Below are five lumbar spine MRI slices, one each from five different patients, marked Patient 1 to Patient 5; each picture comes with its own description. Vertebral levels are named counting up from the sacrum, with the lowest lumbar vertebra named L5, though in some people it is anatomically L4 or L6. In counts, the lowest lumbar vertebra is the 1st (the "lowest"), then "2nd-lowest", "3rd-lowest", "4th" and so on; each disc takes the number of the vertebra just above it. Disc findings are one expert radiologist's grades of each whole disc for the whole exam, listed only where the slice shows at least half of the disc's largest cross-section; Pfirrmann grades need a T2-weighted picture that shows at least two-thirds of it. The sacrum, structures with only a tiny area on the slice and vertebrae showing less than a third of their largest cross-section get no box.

Patient 1 of 5:
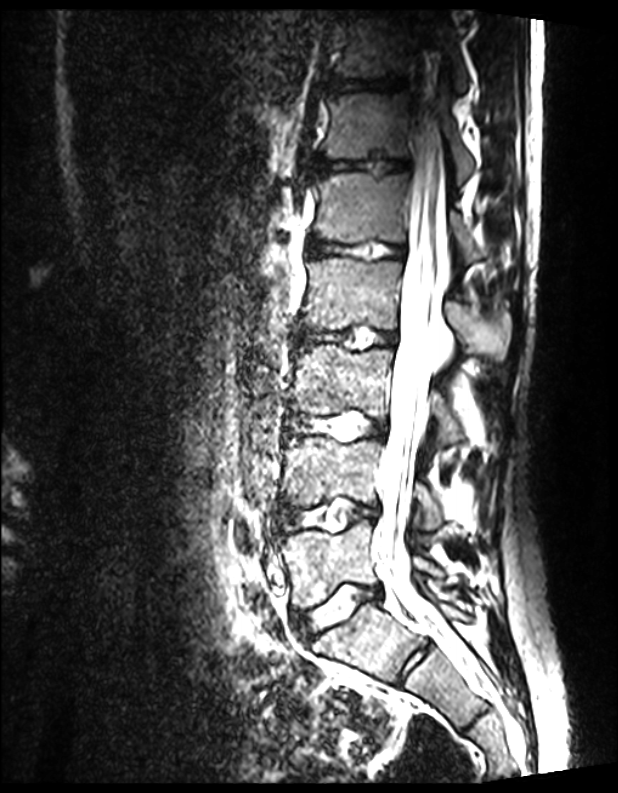 Patient sex: M, Sagittal T2 SPACE (3D) lumbar spine MRI, Slice 73/144

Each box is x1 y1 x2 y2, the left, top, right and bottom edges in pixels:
L1 vertebra: 313 173 512 261
L2: 299 257 511 361
T12/L1: 313 158 407 175
L5: 278 520 442 607
L1/L2: 307 237 404 260
T11/T12: 323 77 404 93
L4/L5: 277 500 377 531
L3/L4: 287 412 387 439
T12: 322 92 476 180
L4 vertebra: 282 437 441 532
T11: 330 10 469 94
L3 vertebra: 292 345 461 455
intervertebral disc L2/L3: 293 325 395 348
spinal canal: 372 41 451 644
L5/S1: 296 585 381 639

Radiological gradings:
- L2/L3: Pfirrmann grade 1
- T12/L1: Pfirrmann grade 1
- L5/S1: Pfirrmann grade 1
- L3/L4: Pfirrmann grade 1
- L1/L2: Pfirrmann grade 1
- T11/T12: Pfirrmann grade 1
- L4/L5: Pfirrmann grade 1

Patient 2 of 5:
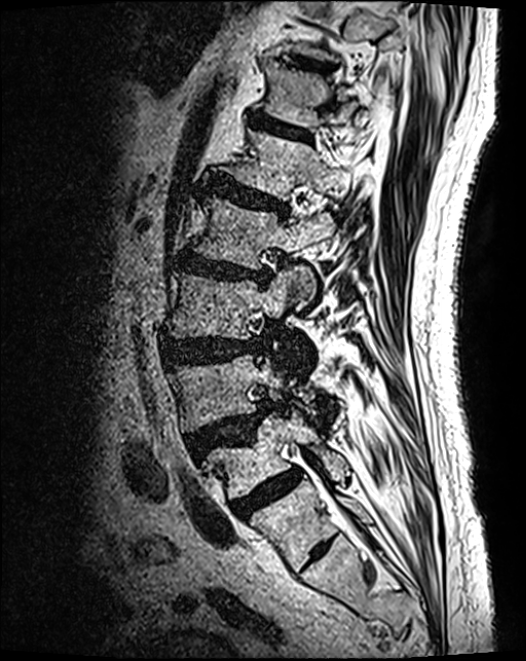 Slice 44/124. Sagittal T2 SPACE (3D) lumbar spine MRI. Image 526x661.
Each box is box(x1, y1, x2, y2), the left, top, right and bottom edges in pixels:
Disc T12/L1 (6th disc): box(251, 117, 310, 140).
L1 (5th vertebra): box(226, 132, 351, 200).
L4/L5 (2nd-lowest disc): box(188, 402, 272, 457).
L3 (3rd-lowest vertebra): box(164, 272, 305, 370).
L4 (2nd-lowest vertebra): box(169, 356, 312, 431).
L2/L3 (4th disc): box(176, 254, 270, 283).
T12 (6th vertebra): box(265, 69, 370, 130).
T11/T12 (7th disc): box(292, 60, 331, 71).
L5 (lowest vertebra): box(203, 415, 345, 500).
L2 (4th vertebra): box(191, 196, 334, 308).
Disc L1/L2 (5th disc): box(209, 178, 286, 215).
L3/L4 (3rd-lowest disc): box(162, 340, 259, 364).
Disc L5/S1 (lowest disc): box(232, 470, 301, 517).

Degenerative findings by level:
• L3/L4 (3rd-lowest disc): Pfirrmann grade 4, disc bulging
• L5/S1 (lowest disc): Pfirrmann grade 4
• T12/L1 (6th disc): Pfirrmann grade 3
• L4/L5 (2nd-lowest disc): Pfirrmann grade 4, upper-endplate change, spondylolisthesis, disc herniation
• L1/L2 (5th disc): Pfirrmann grade 4, disc bulging, lower-endplate change, upper-endplate change
• L2/L3 (4th disc): Pfirrmann grade 4, disc bulging, lower-endplate change, disc narrowing, upper-endplate change

Patient 3 of 5:
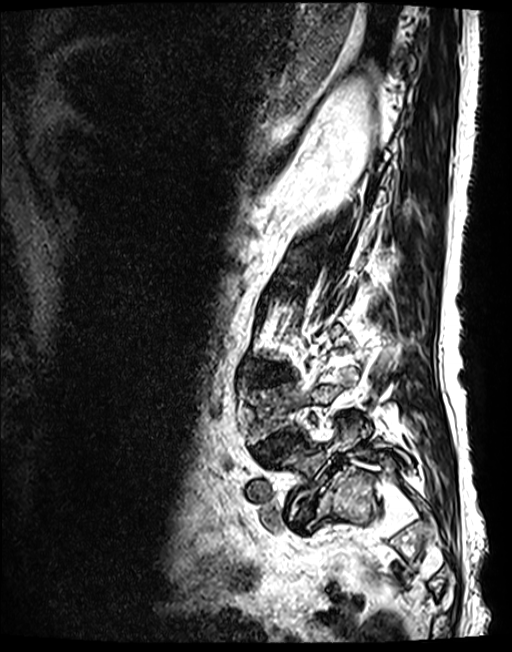

Image 512x652 | Lumbar spine MR, T2 SPACE (3D), sagittal
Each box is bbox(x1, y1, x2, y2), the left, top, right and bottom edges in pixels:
Annotations:
- L5 = bbox(281, 425, 413, 518)
- L4 = bbox(251, 369, 357, 443)
- L3/L4 = bbox(255, 366, 287, 384)
- L5/S1 = bbox(293, 481, 327, 530)
- L4/L5 = bbox(255, 434, 303, 459)

Radiological gradings:
  L5/S1: disc herniation, spondylolisthesis, Modic type II, disc narrowing

Patient 4 of 5:
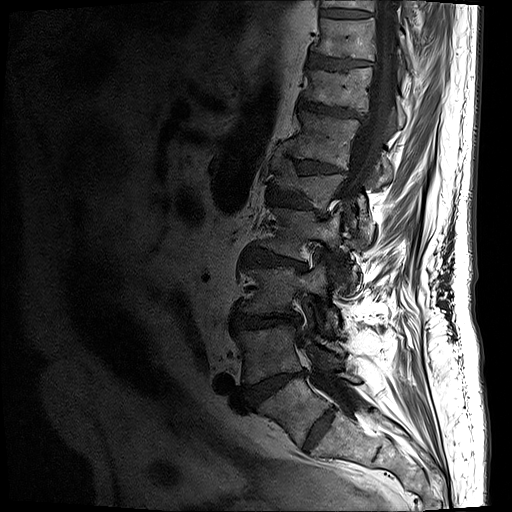
Field of view 300x300 mm, Sagittal slice index 13, Sex M, T1-weighted sagittal MRI of the lumbar spine, 512x512 px
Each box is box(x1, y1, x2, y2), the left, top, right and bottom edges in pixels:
L1/L2 = box(267, 185, 323, 214).
T10 vertebra = box(311, 18, 412, 72).
Disc L3/L4 = box(232, 314, 300, 332).
T9 vertebra = box(321, 0, 414, 22).
Disc T12/L1 = box(278, 144, 346, 174).
L4 vertebra = box(237, 324, 344, 384).
Disc T9/T10 = box(320, 9, 371, 17).
L2/L3 = box(241, 249, 306, 270).
L1 vertebra = box(272, 155, 373, 237).
L5/S1 = box(304, 408, 334, 450).
L5 = box(258, 373, 360, 446).
L2 vertebra = box(259, 207, 355, 280).
L3 vertebra = box(239, 262, 338, 328).
T10/T11 = box(308, 54, 371, 70).
T11 vertebra = box(303, 67, 406, 127).
L4/L5 = box(245, 371, 306, 407).
T12 = box(285, 110, 396, 185).
Spinal canal = box(297, 0, 398, 414).
Disc T11/T12 = box(299, 98, 360, 118).

Per-level radiological findings:
- T11/T12: upper-endplate change, lower-endplate change, disc narrowing, disc bulging
- T12/L1: disc bulging, disc narrowing, upper-endplate change, lower-endplate change
- L2/L3: disc bulging, upper-endplate change, disc narrowing, Modic type II, lower-endplate change
- L1/L2: disc narrowing, lower-endplate change, disc bulging, upper-endplate change
- T10/T11: disc bulging, upper-endplate change, lower-endplate change
- L3/L4: lower-endplate change, upper-endplate change, disc bulging, disc narrowing
- T9/T10: lower-endplate change
- L4/L5: upper-endplate change, lower-endplate change, disc bulging, disc narrowing, disc herniation, Modic type II
- L5/S1: no herniation, bulging, narrowing, spondylolisthesis, endplate or Modic change recorded

Patient 5 of 5:
Slice spacing 4.8 mm. Sex M. Sagittal T2-weighted lumbar spine MRI. 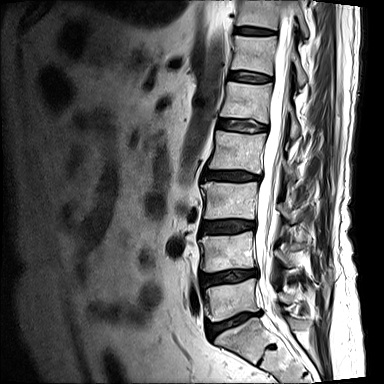
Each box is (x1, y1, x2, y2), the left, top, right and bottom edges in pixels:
L4: (199, 231, 294, 272)
L3: (201, 182, 296, 223)
intervertebral disc L5/S1: (206, 312, 260, 338)
T11/T12: (235, 27, 274, 34)
intervertebral disc L4/L5: (201, 269, 257, 288)
L1: (220, 82, 299, 137)
T11: (236, 0, 308, 36)
L2 vertebra: (209, 131, 296, 179)
L5 vertebra: (204, 278, 294, 321)
intervertebral disc L3/L4: (201, 220, 255, 233)
intervertebral disc T12/L1: (230, 72, 272, 82)
T12: (231, 35, 306, 85)
thecal sac / spinal canal: (255, 8, 293, 318)
L2/L3: (205, 171, 260, 181)
L1/L2: (219, 120, 267, 131)

Expert MSK radiologist gradings (per disc):
- L3/L4: Pfirrmann grade 4, disc bulging, lower-endplate change, Modic type II, upper-endplate change
- L2/L3: Pfirrmann grade 4, Modic type II, disc narrowing, disc bulging, lower-endplate change, upper-endplate change
- L5/S1: Pfirrmann grade 4, upper-endplate change, lower-endplate change, disc narrowing, Modic type II, disc bulging
- L4/L5: Pfirrmann grade 4, disc bulging, upper-endplate change, disc narrowing, lower-endplate change, Modic type II
- T12/L1: Pfirrmann grade 3
- T11/T12: Pfirrmann grade 4
- L1/L2: Pfirrmann grade 3